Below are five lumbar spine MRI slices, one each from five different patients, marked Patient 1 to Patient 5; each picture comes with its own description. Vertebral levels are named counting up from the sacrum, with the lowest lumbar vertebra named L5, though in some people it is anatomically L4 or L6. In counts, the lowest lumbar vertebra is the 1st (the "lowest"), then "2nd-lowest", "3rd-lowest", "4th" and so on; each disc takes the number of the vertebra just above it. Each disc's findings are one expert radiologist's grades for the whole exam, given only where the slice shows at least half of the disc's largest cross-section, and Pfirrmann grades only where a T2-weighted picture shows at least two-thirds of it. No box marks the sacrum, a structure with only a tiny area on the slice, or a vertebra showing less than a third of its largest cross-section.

Patient 1 of 5:
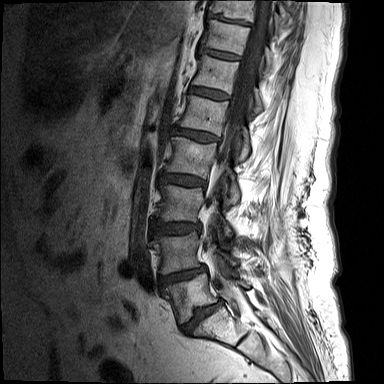 Field of view 280x280 mm, Patient sex: F, Sagittal T1-weighted lumbar spine MRI
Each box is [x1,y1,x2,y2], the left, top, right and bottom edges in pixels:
8th disc — [207,13,250,25].
3rd-lowest vertebra — [159,185,232,235].
4th disc — [160,173,204,185].
6th vertebra — [193,55,262,113].
7th vertebra — [201,20,270,69].
3rd-lowest disc — [152,222,200,234].
Lowest disc — [181,299,223,333].
5th vertebra — [180,95,249,161].
5th disc — [173,127,218,141].
2nd-lowest disc — [160,266,205,284].
Lowest vertebra — [164,272,249,323].
7th disc — [199,47,240,59].
8th vertebra — [208,0,280,26].
4th vertebra — [164,137,239,204].
6th disc — [190,86,228,99].
Spinal canal — [214,0,271,299].
2nd-lowest vertebra — [151,232,236,273].

Radiological gradings:
  6th disc: Modic type II
  7th disc: Modic type II, upper-endplate change
  3rd-lowest disc: disc bulging
  8th disc: Modic type II, disc narrowing, lower-endplate change
  5th disc: disc bulging
  4th disc: disc bulging
  2nd-lowest disc: upper-endplate change, lower-endplate change, Modic type II, disc narrowing, disc bulging
  lowest disc: disc narrowing, upper-endplate change, Modic type II, disc bulging, lower-endplate change

Patient 2 of 5:
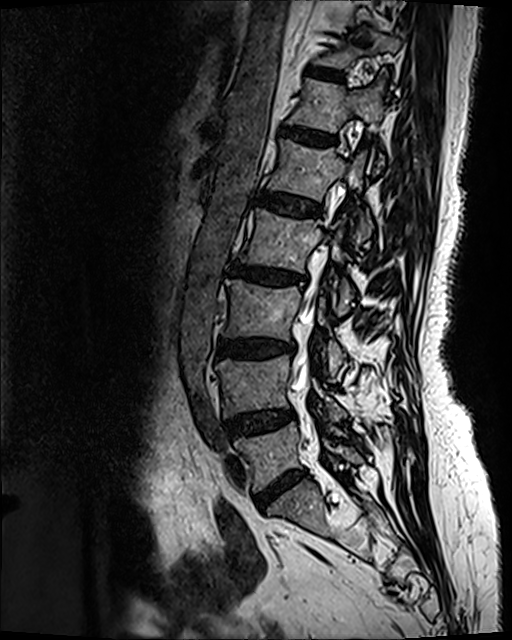 Image 512x640 | Slice 46/120 | MRI lumbar spine (T2 SPACE (3D)), sagittal plane | Patient sex: F

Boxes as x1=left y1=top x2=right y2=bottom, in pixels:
L2: x1=240 y1=209 x2=353 y2=313.
L4: x1=215 y1=355 x2=345 y2=421.
L4/L5: x1=227 y1=409 x2=294 y2=438.
Thecal sac / spinal canal: x1=291 y1=218 x2=331 y2=392.
L3/L4: x1=216 y1=339 x2=295 y2=355.
Disc T11/T12: x1=309 y1=66 x2=342 y2=80.
L5 vertebra: x1=234 y1=423 x2=362 y2=491.
L5/S1: x1=257 y1=472 x2=303 y2=508.
L1 vertebra: x1=268 y1=139 x2=369 y2=245.
L3 vertebra: x1=223 y1=280 x2=345 y2=376.
L1/L2: x1=256 y1=191 x2=320 y2=215.
T12/L1: x1=282 y1=128 x2=335 y2=144.
L2/L3: x1=229 y1=265 x2=304 y2=284.
T12 vertebra: x1=287 y1=70 x2=386 y2=167.

Per-level radiological findings:
  L4/L5: Pfirrmann grade 3, disc bulging
  L2/L3: Pfirrmann grade 4, disc narrowing, Modic type II, disc bulging, upper-endplate change, lower-endplate change
  L3/L4: Pfirrmann grade 4, upper-endplate change, lower-endplate change, disc narrowing, Modic type II, disc bulging
  L5/S1: disc bulging, disc narrowing
  L1/L2: Pfirrmann grade 2
  T12/L1: disc bulging

Patient 3 of 5:
Image 508x511; T1-weighted sagittal MRI of the lumbar spine; Field of view 280x281 mm, slice spacing 3.3 mm; Sagittal slice index 14 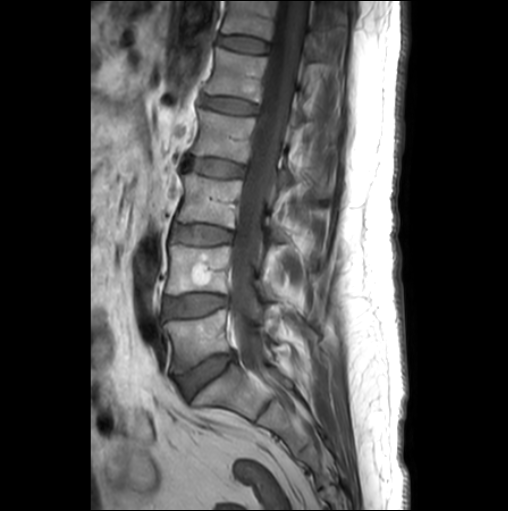

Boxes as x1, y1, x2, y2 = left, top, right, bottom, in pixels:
L3 (3rd-lowest vertebra): 176, 173, 287, 240 | IVD T12/L1 (6th disc): 219, 35, 269, 52 | spinal canal: 229, 1, 306, 361 | L4/L5 (2nd-lowest disc): 163, 294, 227, 317 | L3/L4 (3rd-lowest disc): 172, 225, 232, 244 | L4 (2nd-lowest vertebra): 166, 244, 278, 299 | IVD L1/L2 (5th disc): 201, 95, 257, 113 | L5 (lowest vertebra): 165, 309, 279, 373 | T12 (6th vertebra): 222, 1, 325, 59 | IVD L5/S1 (lowest disc): 177, 353, 234, 397 | L2 (4th vertebra): 192, 106, 335, 196 | IVD L2/L3 (4th disc): 185, 157, 244, 176 | L1 (5th vertebra): 205, 47, 337, 135

Degenerative findings by level:
• L5/S1 (lowest disc): disc bulging, Modic type II
• L4/L5 (2nd-lowest disc): Modic type II
• L2/L3 (4th disc), L3/L4 (3rd-lowest disc), T12/L1 (6th disc), L1/L2 (5th disc): no spondylolisthesis, narrowing, bulging, herniation, Modic or endplate change recorded

Patient 4 of 5:
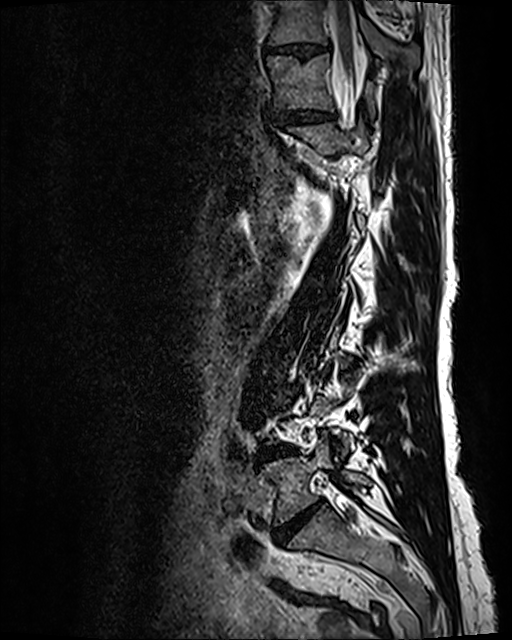
Lumbar spine MR, T2 SPACE (3D), sagittal. 512x640 px. Field of view 240x300 mm.
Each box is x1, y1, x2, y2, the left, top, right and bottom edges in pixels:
lowest vertebra: 259, 434, 370, 525
lowest disc: 274, 500, 322, 544
spinal canal: 328, 2, 364, 127
7th vertebra: 267, 54, 375, 116
8th vertebra: 268, 0, 419, 67
2nd-lowest disc: 259, 447, 294, 461
8th disc: 270, 43, 325, 53
7th disc: 272, 109, 337, 127

Degenerative findings by level:
• 8th disc: disc narrowing, disc bulging
• 7th disc: Pfirrmann grade 3, disc bulging, disc narrowing
• lowest disc: Pfirrmann grade 5, upper-endplate change, disc bulging, Modic type II, lower-endplate change, disc narrowing

Patient 5 of 5:
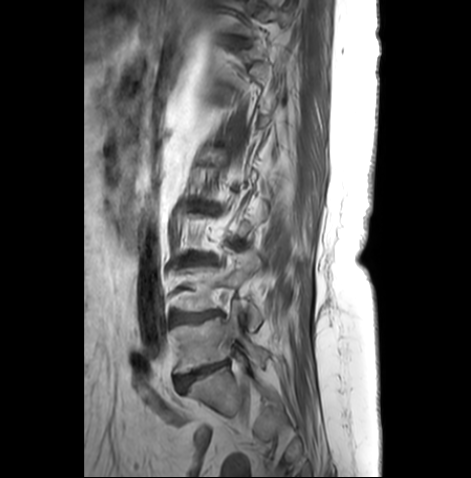
Slice 8/26 | T1-weighted sagittal MRI of the lumbar spine
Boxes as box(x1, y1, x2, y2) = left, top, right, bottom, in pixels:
L4/L5: box(173, 310, 220, 320)
L5: box(171, 305, 268, 372)
L5/S1: box(176, 361, 226, 389)

Degenerative findings by level:
• L4/L5: Modic type II, disc narrowing, upper-endplate change, disc bulging, lower-endplate change
• L5/S1: Modic type II, disc bulging, disc narrowing